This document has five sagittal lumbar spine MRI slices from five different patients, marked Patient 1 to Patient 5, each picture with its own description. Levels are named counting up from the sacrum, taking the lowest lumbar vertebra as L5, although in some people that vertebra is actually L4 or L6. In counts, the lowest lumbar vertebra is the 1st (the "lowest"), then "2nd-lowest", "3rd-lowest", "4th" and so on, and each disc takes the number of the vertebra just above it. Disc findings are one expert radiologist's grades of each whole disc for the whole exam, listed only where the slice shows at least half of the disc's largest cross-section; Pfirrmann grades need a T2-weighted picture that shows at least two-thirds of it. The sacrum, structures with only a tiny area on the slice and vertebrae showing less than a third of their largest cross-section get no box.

Patient 1 of 5:
T2-weighted sagittal MRI of the lumbar spine | Sagittal slice index 5 | Image 528x531 | Sex F 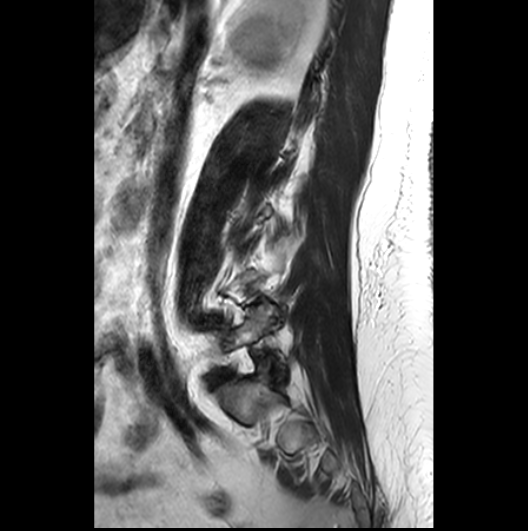
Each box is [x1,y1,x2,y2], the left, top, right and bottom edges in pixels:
Intervertebral disc L5/S1: [213,372,229,385].
L5 vertebra: [220,305,285,379].

Patient 2 of 5:
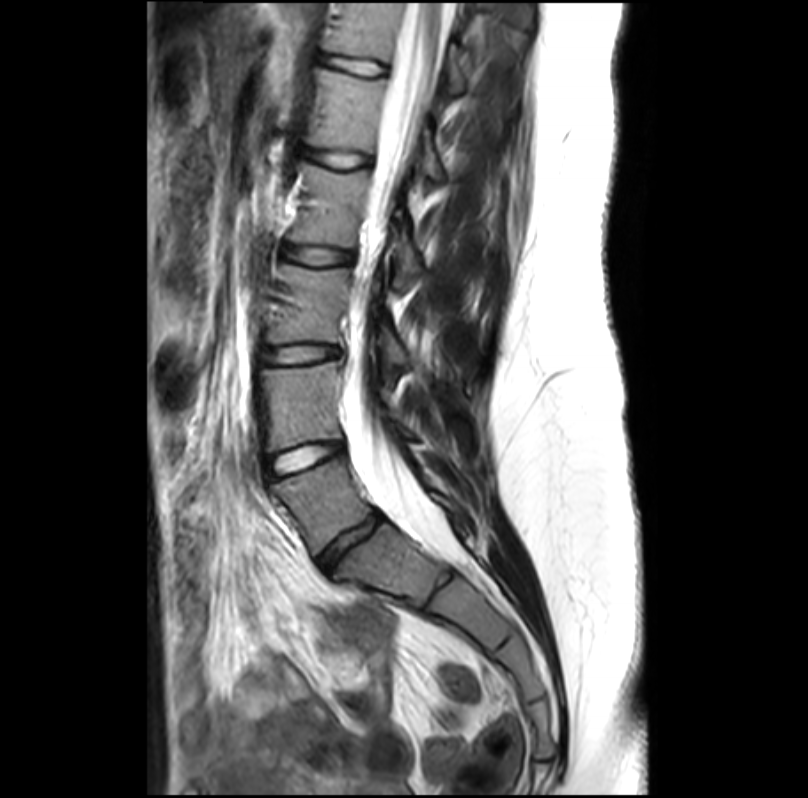 MRI lumbar spine (T2-weighted), sagittal plane
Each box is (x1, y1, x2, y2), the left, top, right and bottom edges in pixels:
3rd-lowest disc — (261, 346, 338, 363).
2nd-lowest disc — (268, 443, 342, 475).
4th disc — (283, 246, 350, 264).
Lowest disc — (319, 514, 381, 569).
6th vertebra — (326, 3, 466, 92).
5th vertebra — (307, 69, 443, 184).
2nd-lowest vertebra — (261, 362, 412, 451).
Lowest vertebra — (273, 458, 460, 554).
Spinal canal — (345, 3, 458, 561).
3rd-lowest vertebra — (266, 265, 407, 381).
5th disc — (305, 149, 369, 167).
4th vertebra — (289, 164, 419, 286).
6th disc — (324, 56, 384, 76).

Degenerative findings by level:
• 5th disc: Pfirrmann grade 1
• lowest disc: Pfirrmann grade 3, disc narrowing
• 4th disc: Pfirrmann grade 1
• 6th disc: Pfirrmann grade 1
• 3rd-lowest disc: Pfirrmann grade 1, disc bulging
• 2nd-lowest disc: Pfirrmann grade 1

Patient 3 of 5:
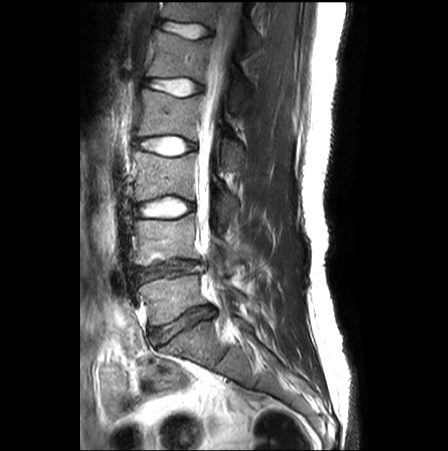 MRI lumbar spine (T2-weighted), sagittal plane; Patient sex: M; Field of view 280x282 mm

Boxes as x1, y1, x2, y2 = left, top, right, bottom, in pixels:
6th disc: 161, 21, 210, 38
5th vertebra: 146, 31, 250, 111
lowest vertebra: 139, 274, 241, 325
4th disc: 135, 136, 195, 154
6th vertebra: 161, 2, 261, 52
4th vertebra: 137, 89, 243, 167
2nd-lowest disc: 137, 260, 203, 280
2nd-lowest vertebra: 135, 214, 239, 271
thecal sac / spinal canal: 198, 2, 240, 287
lowest disc: 152, 306, 213, 343
3rd-lowest disc: 136, 198, 193, 217
3rd-lowest vertebra: 133, 151, 237, 222
5th disc: 144, 78, 202, 95

Expert MSK radiologist gradings (per disc):
  4th disc: Pfirrmann grade 1
  lowest disc: Pfirrmann grade 3, disc bulging, disc narrowing
  6th disc: Pfirrmann grade 1, lower-endplate change
  3rd-lowest disc: Pfirrmann grade 1
  5th disc: Pfirrmann grade 1
  2nd-lowest disc: Pfirrmann grade 3, disc narrowing, disc bulging

Patient 4 of 5:
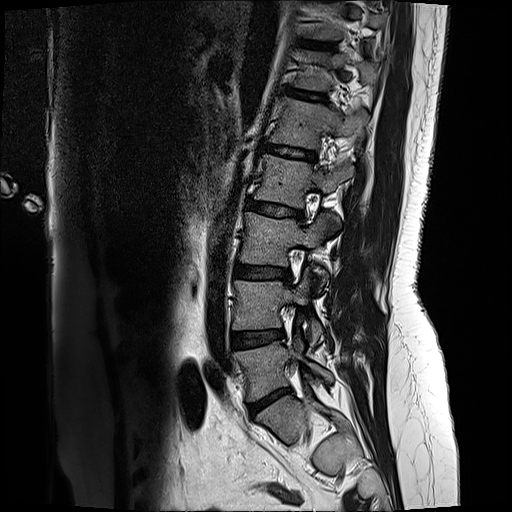
512x512 px, Field of view 300x300 mm, Slice 14 of 17, T2-weighted sagittal MRI of the lumbar spine
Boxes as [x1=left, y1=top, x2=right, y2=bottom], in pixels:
L3/L4: [x1=235, y1=264, x2=288, y2=279] | L2/L3: [x1=247, y1=199, x2=300, y2=219] | disc L4/L5: [x1=232, y1=330, x2=284, y2=347] | L3: [x1=242, y1=214, x2=339, y2=265] | disc L1/L2: [x1=262, y1=145, x2=315, y2=162] | L5 vertebra: [x1=235, y1=334, x2=332, y2=398] | T11/T12: [x1=304, y1=42, x2=333, y2=49] | disc L5/S1: [x1=250, y1=389, x2=289, y2=413] | L4 vertebra: [x1=235, y1=267, x2=321, y2=345] | disc T12/L1: [x1=292, y1=91, x2=326, y2=102] | L2 vertebra: [x1=256, y1=156, x2=354, y2=206] | L1: [x1=272, y1=99, x2=367, y2=147]

Radiological gradings:
  L1/L2: Pfirrmann grade 2, lower-endplate change, upper-endplate change
  L3/L4: Pfirrmann grade 2, disc bulging
  L2/L3: Pfirrmann grade 4, lower-endplate change, disc bulging, upper-endplate change
  T12/L1: Pfirrmann grade 2, lower-endplate change, upper-endplate change
  L5/S1: disc bulging, disc narrowing, disc herniation
  L4/L5: disc bulging

Patient 5 of 5:
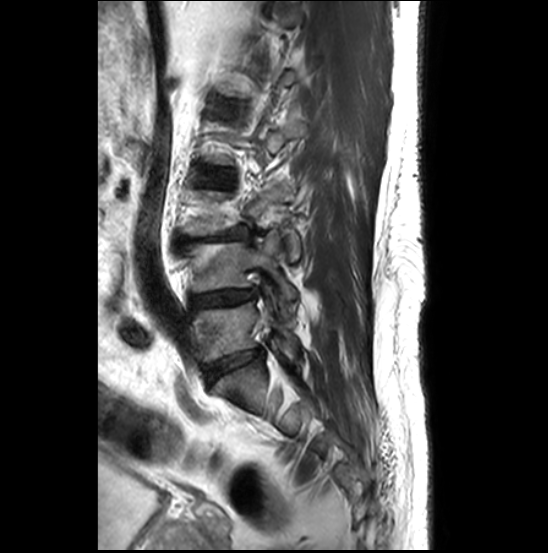 T2-weighted sagittal MRI of the lumbar spine; Field of view 280x282 mm, slice spacing 3.3 mm
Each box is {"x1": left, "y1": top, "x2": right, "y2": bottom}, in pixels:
{"L5 (lowest vertebra)": {"x1": 193, "y1": 302, "x2": 298, "y2": 361}, "IVD L4/L5 (2nd-lowest disc)": {"x1": 191, "y1": 289, "x2": 256, "y2": 309}, "IVD L3/L4 (3rd-lowest disc)": {"x1": 180, "y1": 227, "x2": 252, "y2": 246}, "IVD L5/S1 (lowest disc)": {"x1": 206, "y1": 349, "x2": 262, "y2": 382}, "L4 (2nd-lowest vertebra)": {"x1": 180, "y1": 231, "x2": 295, "y2": 301}, "IVD L2/L3 (4th disc)": {"x1": 203, "y1": 169, "x2": 230, "y2": 186}, "L3 (3rd-lowest vertebra)": {"x1": 184, "y1": 182, "x2": 300, "y2": 262}}

Degenerative findings by level:
• L3/L4 (3rd-lowest disc): Pfirrmann grade 5, disc narrowing, upper-endplate change, spondylolisthesis, disc herniation, Modic type II, lower-endplate change
• L4/L5 (2nd-lowest disc): Pfirrmann grade 3, disc narrowing, disc bulging, lower-endplate change, upper-endplate change, Modic type II
• L5/S1 (lowest disc): Pfirrmann grade 3, disc narrowing, lower-endplate change, Modic type II, disc bulging, upper-endplate change